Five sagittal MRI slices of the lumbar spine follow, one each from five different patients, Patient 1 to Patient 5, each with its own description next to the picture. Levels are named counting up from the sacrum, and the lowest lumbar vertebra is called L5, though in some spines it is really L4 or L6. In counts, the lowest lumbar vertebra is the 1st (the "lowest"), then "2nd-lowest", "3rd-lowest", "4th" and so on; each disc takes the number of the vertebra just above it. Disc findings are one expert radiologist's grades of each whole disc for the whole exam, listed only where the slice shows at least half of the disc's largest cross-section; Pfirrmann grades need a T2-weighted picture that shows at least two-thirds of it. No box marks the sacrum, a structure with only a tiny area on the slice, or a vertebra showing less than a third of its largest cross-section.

Patient 1 of 5:
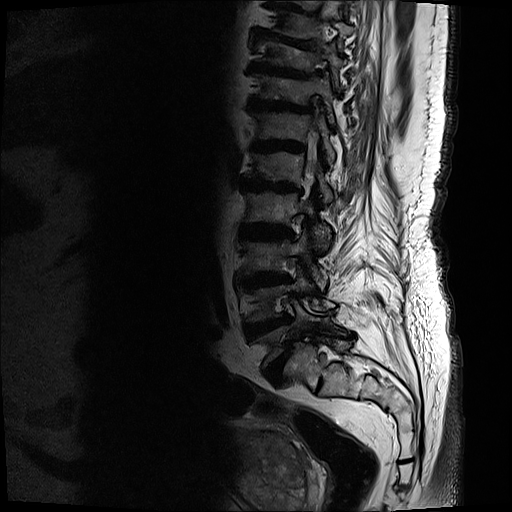 Image 512x512; Lumbar spine MR, T2-weighted, sagittal
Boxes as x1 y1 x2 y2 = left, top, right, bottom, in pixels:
{"T10/T11": "251 62 320 79", "T10": "260 41 348 86", "L1": "251 150 334 205", "disc T9/T10": "252 36 322 49", "disc L5/S1": "265 342 292 383", "L5": "251 298 338 366", "T12/L1": "255 139 307 153", "disc L1/L2": "243 178 304 194", "L3/L4": "244 273 289 288", "L2 vertebra": "245 185 334 249", "T12 vertebra": "255 111 337 163", "T11/T12": "251 96 316 113", "L3": "243 225 329 291", "disc L4/L5": "244 315 292 339", "thecal sac / spinal canal": "307 158 317 181", "disc L2/L3": "242 224 292 240", "T11": "256 73 336 126", "L4": "246 266 325 323"}

Per-level radiological findings:
• L1/L2: Pfirrmann grade 5, disc bulging, Modic type II, disc narrowing, lower-endplate change, upper-endplate change
• T12/L1: Pfirrmann grade 5, disc bulging, lower-endplate change, Modic type II, disc narrowing, upper-endplate change
• L4/L5: disc narrowing, lower-endplate change, disc bulging, Modic type II, upper-endplate change
• T11/T12: Pfirrmann grade 5, disc bulging, Modic type II, disc narrowing, upper-endplate change, lower-endplate change
• T10/T11: Pfirrmann grade 5, Modic type II, disc narrowing, disc bulging, upper-endplate change, lower-endplate change
• L5/S1: Pfirrmann grade 5, upper-endplate change, disc bulging, disc narrowing, lower-endplate change, spondylolisthesis, Modic type II
• L3/L4: disc narrowing, upper-endplate change, disc bulging, Modic type II, lower-endplate change
• L2/L3: Pfirrmann grade 5, disc bulging, Modic type II, upper-endplate change, disc narrowing, lower-endplate change
• T9/T10: Pfirrmann grade 5, disc bulging, lower-endplate change, upper-endplate change, Modic type II, disc narrowing

Patient 2 of 5:
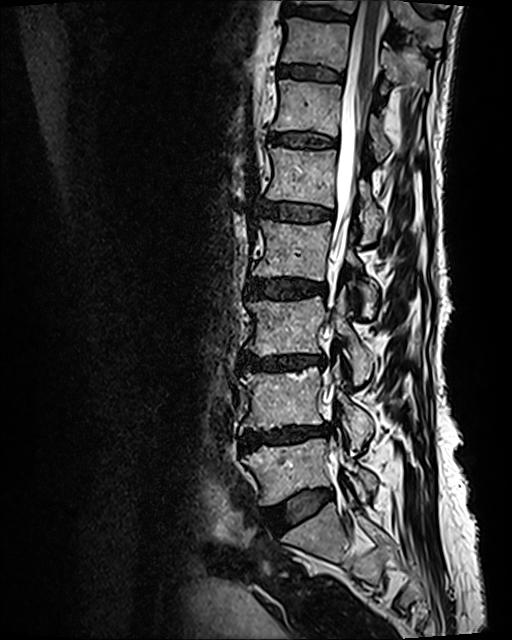 Image 512x640, Lumbar spine MR, T2 SPACE (3D), sagittal

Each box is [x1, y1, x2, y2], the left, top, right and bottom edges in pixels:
intervertebral disc L5/S1: [264, 489, 332, 529]
spinal canal: [324, 0, 384, 400]
L1: [267, 146, 384, 242]
T12: [271, 80, 423, 160]
L2/L3: [244, 278, 326, 298]
intervertebral disc L4/L5: [240, 425, 330, 450]
L3/L4: [240, 354, 325, 370]
L3: [246, 291, 373, 384]
T12/L1: [270, 133, 336, 147]
L4 vertebra: [240, 364, 375, 447]
intervertebral disc L1/L2: [261, 202, 332, 221]
T10/T11: [288, 7, 351, 20]
L2: [251, 220, 378, 315]
T11 vertebra: [281, 17, 429, 91]
T10: [296, 0, 443, 46]
T11/T12: [277, 64, 343, 80]
L5: [243, 438, 377, 505]

Expert MSK radiologist gradings (per disc):
  T12/L1: Pfirrmann grade 2, Modic type II, upper-endplate change, lower-endplate change
  L2/L3: Pfirrmann grade 3, lower-endplate change, Modic type II, upper-endplate change, disc bulging
  L1/L2: Pfirrmann grade 3, Modic type II, upper-endplate change, lower-endplate change
  L4/L5: Pfirrmann grade 4, disc narrowing, disc bulging, lower-endplate change, upper-endplate change, Modic type II
  L3/L4: Pfirrmann grade 4, Modic type II, lower-endplate change, upper-endplate change, disc bulging, disc narrowing
  T11/T12: Pfirrmann grade 2, lower-endplate change, Modic type II, upper-endplate change
  T10/T11: Pfirrmann grade 2, upper-endplate change, lower-endplate change
  L5/S1: Pfirrmann grade 2, disc bulging

Patient 3 of 5:
Philips Healthcare Ingenia (3T). MRI lumbar spine (T1-weighted), sagittal plane.

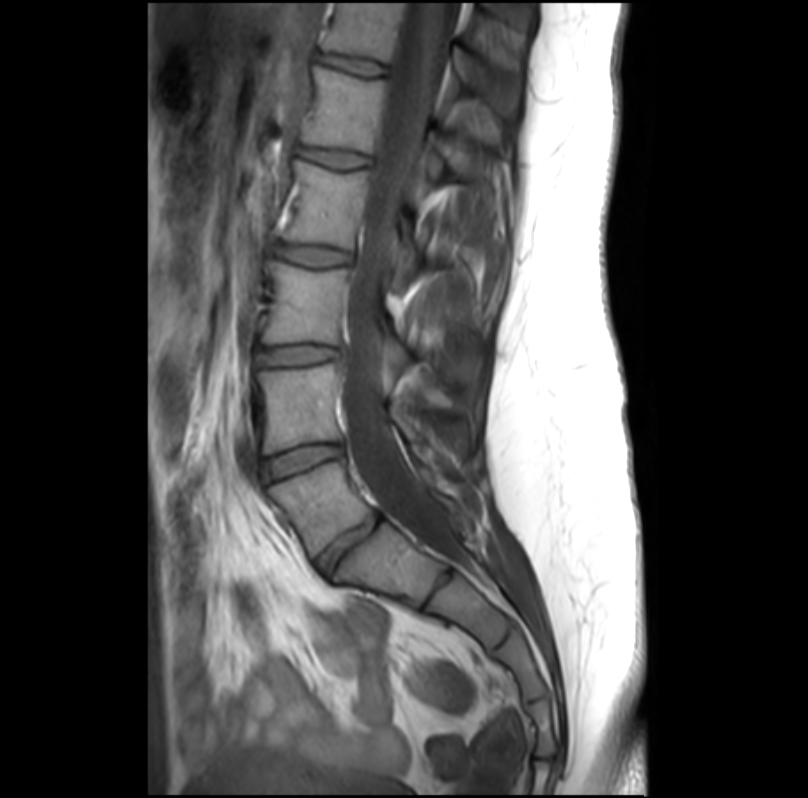 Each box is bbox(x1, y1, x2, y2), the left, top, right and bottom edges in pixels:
- L1 (5th vertebra) = bbox(304, 65, 486, 178)
- L4 (2nd-lowest vertebra) = bbox(258, 364, 467, 459)
- L1/L2 (5th disc) = bbox(300, 146, 367, 167)
- T12/L1 (6th disc) = bbox(319, 53, 384, 74)
- L3 (3rd-lowest vertebra) = bbox(263, 262, 409, 385)
- spinal canal = bbox(343, 3, 457, 561)
- T12 (6th vertebra) = bbox(323, 3, 520, 113)
- L3/L4 (3rd-lowest disc) = bbox(259, 346, 339, 363)
- L2/L3 (4th disc) = bbox(275, 242, 350, 264)
- disc L5/S1 (lowest disc) = bbox(317, 514, 383, 572)
- L5 (lowest vertebra) = bbox(270, 463, 461, 555)
- L2 (4th vertebra) = bbox(283, 159, 422, 289)
- disc L4/L5 (2nd-lowest disc) = bbox(267, 443, 343, 478)

Degenerative findings by level:
- L3/L4 (3rd-lowest disc): disc bulging
- L5/S1 (lowest disc): disc narrowing
- L4/L5 (2nd-lowest disc), L2/L3 (4th disc), T12/L1 (6th disc), L1/L2 (5th disc): no Modic or endplate change, herniation, narrowing, bulging or spondylolisthesis recorded

Patient 4 of 5:
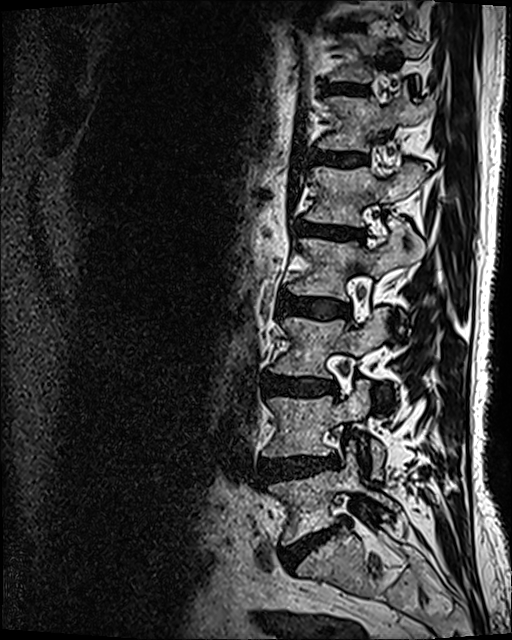 MRI lumbar spine (T2 SPACE (3D)), sagittal plane; Field of view 240x300 mm
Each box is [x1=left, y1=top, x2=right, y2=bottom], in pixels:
Annotations:
- L5/S1 at [x1=279, y1=520, x2=347, y2=569]
- L4 vertebra at [x1=263, y1=380, x2=383, y2=478]
- L5 at [x1=269, y1=454, x2=399, y2=544]
- L1/L2 at [x1=298, y1=222, x2=364, y2=238]
- disc L3/L4 at [x1=262, y1=374, x2=336, y2=394]
- L3 at [x1=271, y1=307, x2=388, y2=376]
- L1 at [x1=305, y1=162, x2=427, y2=227]
- T11/T12 at [x1=321, y1=84, x2=367, y2=93]
- T10/T11 at [x1=345, y1=23, x2=362, y2=27]
- L2 vertebra at [x1=288, y1=233, x2=424, y2=319]
- T11 vertebra at [x1=329, y1=35, x2=425, y2=82]
- T12 at [x1=318, y1=87, x2=432, y2=152]
- disc L4/L5 at [x1=259, y1=454, x2=337, y2=484]
- T12/L1 at [x1=315, y1=153, x2=365, y2=165]
- disc L2/L3 at [x1=278, y1=293, x2=348, y2=319]

Per-level radiological findings:
• L5/S1: disc narrowing, Modic type II, disc bulging, lower-endplate change
• L3/L4: Pfirrmann grade 4, disc bulging, lower-endplate change, Modic type II, disc narrowing
• L2/L3: Pfirrmann grade 3, disc bulging
• L1/L2: upper-endplate change, disc bulging, Modic type II, lower-endplate change, disc narrowing
• L4/L5: Pfirrmann grade 4, disc herniation, disc bulging
• T12/L1, T11/T12: no Modic or endplate change, herniation, narrowing, bulging or spondylolisthesis recorded

Patient 5 of 5:
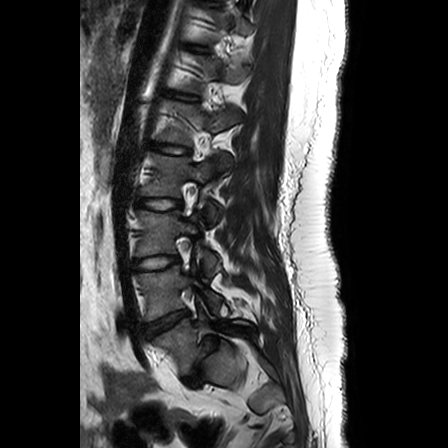 Sex F | Lumbar spine MR, T2-weighted, sagittal | Slice spacing 3.3 mm | Image 448x448 | Slice 8/24
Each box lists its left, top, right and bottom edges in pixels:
L4/L5 at left=145, top=310, right=188, bottom=335; L2 vertebra at left=142, top=154, right=216, bottom=218; L1 vertebra at left=158, top=101, right=237, bottom=168; L3/L4 at left=134, top=256, right=179, bottom=270; L5 vertebra at left=153, top=311, right=250, bottom=374; IVD L1/L2 at left=149, top=143, right=188, bottom=154; L2/L3 at left=136, top=199, right=181, bottom=209; IVD L5/S1 at left=190, top=336, right=219, bottom=376; IVD T12/L1 at left=178, top=95, right=198, bottom=100; L4 vertebra at left=138, top=265, right=220, bottom=320; L3 vertebra at left=136, top=211, right=219, bottom=270.

Per-level radiological findings:
- L1/L2: Pfirrmann grade 1
- L4/L5: disc bulging
- L2/L3: Pfirrmann grade 4
- L5/S1: disc narrowing, disc bulging, lower-endplate change, spondylolisthesis
- L3/L4: Pfirrmann grade 3